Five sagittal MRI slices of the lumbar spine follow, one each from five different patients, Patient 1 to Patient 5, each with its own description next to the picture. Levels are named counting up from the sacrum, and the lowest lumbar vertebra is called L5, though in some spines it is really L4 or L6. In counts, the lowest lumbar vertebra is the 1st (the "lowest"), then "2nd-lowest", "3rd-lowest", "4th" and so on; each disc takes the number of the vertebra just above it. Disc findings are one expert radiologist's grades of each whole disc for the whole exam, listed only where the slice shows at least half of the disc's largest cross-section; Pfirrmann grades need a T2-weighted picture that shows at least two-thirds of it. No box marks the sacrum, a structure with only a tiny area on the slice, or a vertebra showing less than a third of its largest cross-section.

Patient 1 of 5:
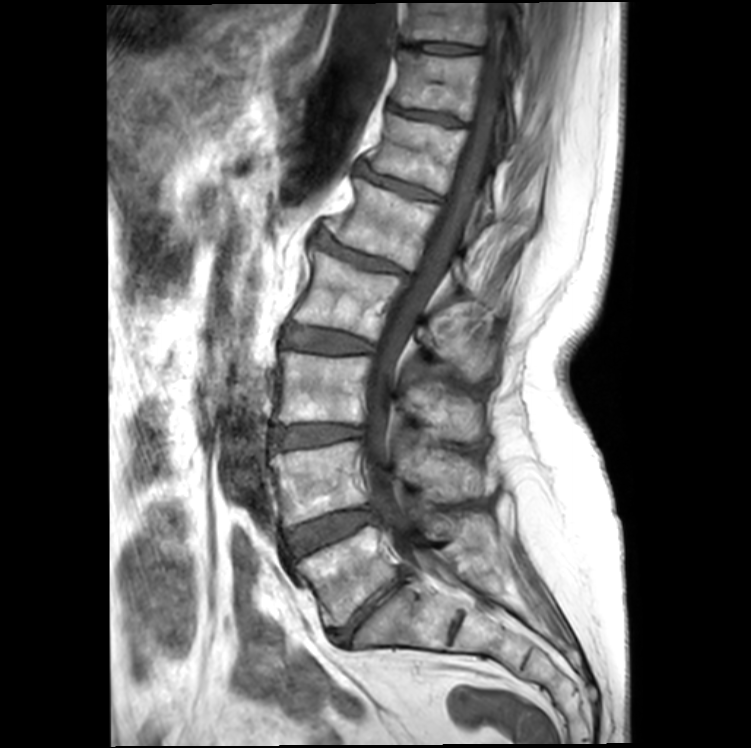 Lumbar spine MR, T1-weighted, sagittal; Image 751x748; Slice 11/20
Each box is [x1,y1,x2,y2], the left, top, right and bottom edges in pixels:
L3 vertebra — [273,350,481,441] | L1 — [327,178,509,317] | L1/L2 — [317,237,408,277] | intervertebral disc L5/S1 — [332,574,405,644] | intervertebral disc T12/L1 — [360,171,439,199] | T12 vertebra — [368,114,492,225] | L3/L4 — [272,424,364,448] | L2 — [294,248,494,377] | spinal canal — [364,3,511,558] | intervertebral disc L2/L3 — [284,324,375,353] | L4 vertebra — [270,441,481,531] | L4/L5 — [286,508,376,557] | L5 vertebra — [297,514,492,627] | T10/T11 — [408,43,477,54] | T10 vertebra — [406,3,568,69] | intervertebral disc T11/T12 — [392,104,461,125] | T11 — [395,51,515,135]

Degenerative findings by level:
• L4/L5: disc bulging, Modic type II
• T12/L1: Modic type II, upper-endplate change, lower-endplate change, disc narrowing
• T10/T11: lower-endplate change
• L1/L2: lower-endplate change, disc bulging, disc narrowing, spondylolisthesis, Modic type II, upper-endplate change
• T11/T12: Modic type II, upper-endplate change, lower-endplate change, disc narrowing
• L5/S1: lower-endplate change, disc narrowing, disc bulging, upper-endplate change
• L2/L3: disc bulging, Modic type II
• L3/L4: disc narrowing, disc bulging, Modic type II

Patient 2 of 5:
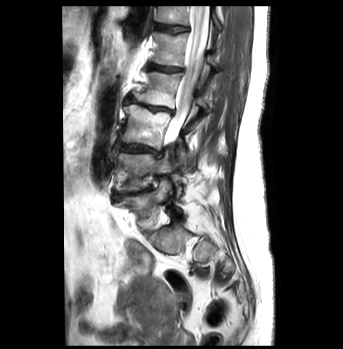

T2-weighted sagittal MRI of the lumbar spine | Image 343x349 | Sagittal slice index 18
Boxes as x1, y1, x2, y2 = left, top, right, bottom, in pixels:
Annotations:
- T12 — 156, 6, 221, 30
- T12/L1 — 155, 22, 189, 32
- L1/L2 — 148, 63, 183, 72
- disc L4/L5 — 115, 186, 150, 198
- L4 — 117, 153, 182, 196
- L3/L4 — 113, 143, 162, 157
- thecal sac / spinal canal — 168, 6, 209, 143
- L5 vertebra — 117, 180, 182, 219
- L1 — 151, 31, 219, 69
- L2/L3 — 125, 95, 172, 112
- L3 — 120, 105, 190, 165
- L2 vertebra — 135, 71, 209, 112

Degenerative findings by level:
- L3/L4: Pfirrmann grade 3, Modic type II, disc bulging
- T12/L1: Pfirrmann grade 1, upper-endplate change
- L2/L3: disc bulging, Modic type II, disc narrowing, lower-endplate change
- L1/L2: upper-endplate change

Patient 3 of 5:
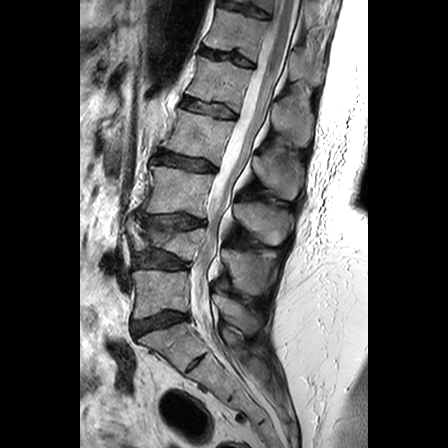

Lumbar spine MR, T2-weighted, sagittal
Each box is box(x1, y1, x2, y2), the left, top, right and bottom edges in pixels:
L5/S1 (lowest disc): box(131, 312, 187, 335)
L3/L4 (3rd-lowest disc): box(138, 214, 205, 228)
disc L4/L5 (2nd-lowest disc): box(134, 250, 188, 269)
L3 (3rd-lowest vertebra): box(142, 164, 292, 244)
disc T12/L1 (6th disc): box(200, 47, 253, 66)
T11/T12 (7th disc): box(219, 0, 269, 18)
L2 (4th vertebra): box(163, 108, 302, 199)
L2/L3 (4th disc): box(154, 151, 215, 171)
T12 (6th vertebra): box(204, 8, 323, 84)
T11 (7th vertebra): box(236, 0, 332, 27)
thecal sac / spinal canal: box(190, 0, 298, 333)
L4 (2nd-lowest vertebra): box(127, 218, 274, 295)
disc L1/L2 (5th disc): box(181, 97, 235, 118)
L5 (lowest vertebra): box(133, 269, 258, 333)
L1 (5th vertebra): box(186, 56, 312, 146)

Degenerative findings by level:
- L1/L2 (5th disc): Pfirrmann grade 2, upper-endplate change
- L3/L4 (3rd-lowest disc): Pfirrmann grade 3, lower-endplate change, disc bulging, upper-endplate change
- L4/L5 (2nd-lowest disc): Pfirrmann grade 3, lower-endplate change, disc bulging
- T12/L1 (6th disc): Pfirrmann grade 3, upper-endplate change, lower-endplate change
- T11/T12 (7th disc): Pfirrmann grade 3, lower-endplate change
- L5/S1 (lowest disc): Pfirrmann grade 3, disc bulging
- L2/L3 (4th disc): Pfirrmann grade 3, lower-endplate change, upper-endplate change

Patient 4 of 5:
Sagittal T1-weighted lumbar spine MRI

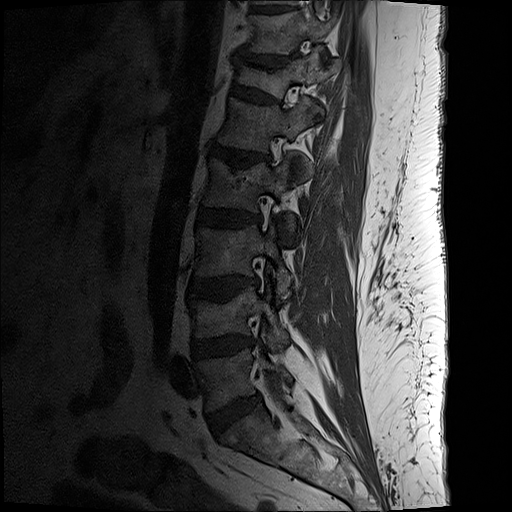
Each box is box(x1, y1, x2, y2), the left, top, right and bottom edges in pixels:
L1/L2 — box(211, 145, 261, 168).
T12/L1 — box(232, 85, 277, 103).
Intervertebral disc T10/T11 — box(254, 8, 289, 14).
L3/L4 — box(192, 277, 257, 298).
L4 — box(189, 287, 289, 343).
L3 vertebra — box(196, 225, 291, 299).
L1 vertebra — box(218, 99, 316, 153).
L5/S1 — box(209, 395, 261, 433).
Intervertebral disc T11/T12 — box(235, 53, 297, 70).
L5 — box(198, 348, 292, 411).
Intervertebral disc L2/L3 — box(197, 209, 261, 227).
T11 — box(248, 12, 329, 54).
T12 vertebra — box(236, 51, 326, 98).
Intervertebral disc L4/L5 — box(191, 338, 247, 358).
L2 — box(204, 158, 293, 241).

Expert MSK radiologist gradings (per disc):
- T12/L1: spondylolisthesis, disc bulging, lower-endplate change, upper-endplate change
- L4/L5: disc bulging, disc narrowing
- L2/L3: lower-endplate change, disc bulging
- L1/L2: upper-endplate change, disc bulging, lower-endplate change, Modic type II, disc narrowing
- L5/S1: disc bulging
- T11/T12: disc narrowing, upper-endplate change, lower-endplate change, disc bulging
- L3/L4: lower-endplate change, upper-endplate change, disc bulging, Modic type II

Patient 5 of 5:
Slice 79/122, Lumbar spine MR, T2 SPACE (3D), sagittal, Slice spacing 0.9 mm

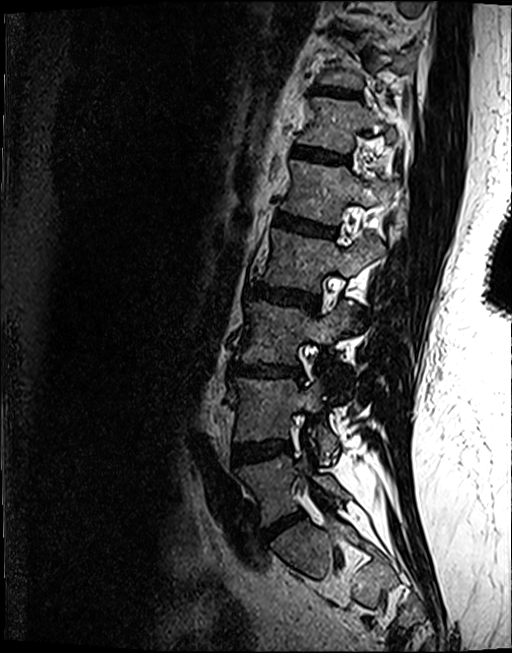

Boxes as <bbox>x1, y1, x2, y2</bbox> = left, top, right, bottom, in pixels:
Segmented structures:
* L5 (lowest vertebra) = <bbox>235, 451, 348, 525</bbox>
* disc T10/T11 (8th disc) = <bbox>332, 27, 352, 35</bbox>
* L1 (5th vertebra) = <bbox>280, 159, 390, 224</bbox>
* L3 (3rd-lowest vertebra) = <bbox>236, 300, 355, 364</bbox>
* L4 (2nd-lowest vertebra) = <bbox>230, 378, 338, 463</bbox>
* disc L3/L4 (3rd-lowest disc) = <bbox>231, 362, 302, 377</bbox>
* T11 (7th vertebra) = <bbox>319, 37, 415, 88</bbox>
* disc T11/T12 (7th disc) = <bbox>315, 86, 359, 96</bbox>
* disc L4/L5 (2nd-lowest disc) = <bbox>231, 439, 290, 463</bbox>
* L2 (4th vertebra) = <bbox>258, 228, 383, 290</bbox>
* disc L2/L3 (4th disc) = <bbox>249, 283, 318, 309</bbox>
* T12 (6th vertebra) = <bbox>298, 96, 397, 152</bbox>
* T12/L1 (6th disc) = <bbox>294, 146, 349, 162</bbox>
* L5/S1 (lowest disc) = <bbox>264, 512, 302, 539</bbox>
* disc L1/L2 (5th disc) = <bbox>275, 212, 335, 235</bbox>

Per-level radiological findings:
  L1/L2 (5th disc): Pfirrmann grade 4, Modic type II, upper-endplate change, lower-endplate change
  L2/L3 (4th disc): Pfirrmann grade 4, lower-endplate change, disc bulging, upper-endplate change
  L3/L4 (3rd-lowest disc): Pfirrmann grade 4, upper-endplate change, lower-endplate change, disc narrowing, disc bulging, Modic type II
  T12/L1 (6th disc): lower-endplate change, upper-endplate change
  L4/L5 (2nd-lowest disc): Pfirrmann grade 4, lower-endplate change, disc bulging, Modic type II